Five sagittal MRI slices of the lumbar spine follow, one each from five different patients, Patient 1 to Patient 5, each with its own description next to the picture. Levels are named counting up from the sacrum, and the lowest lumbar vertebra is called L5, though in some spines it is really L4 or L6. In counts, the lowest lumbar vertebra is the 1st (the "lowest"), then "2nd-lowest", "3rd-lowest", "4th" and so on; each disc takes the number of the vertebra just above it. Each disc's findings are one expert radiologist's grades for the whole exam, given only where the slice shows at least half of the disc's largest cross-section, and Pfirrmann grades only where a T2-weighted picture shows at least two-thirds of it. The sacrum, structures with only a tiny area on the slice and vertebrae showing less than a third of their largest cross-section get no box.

Patient 1 of 5:
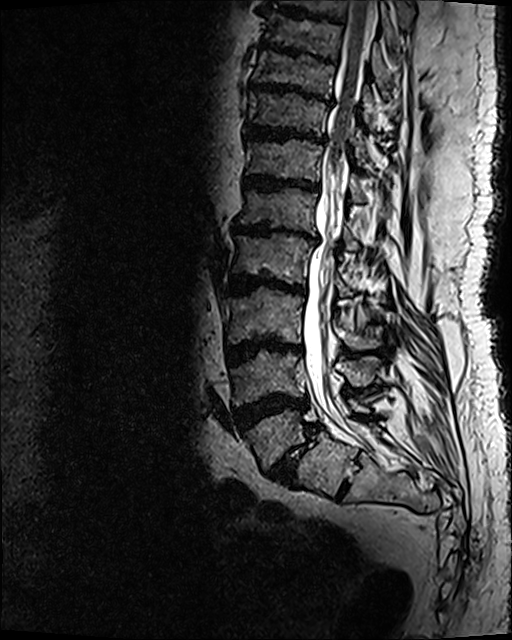 Sagittal T2 SPACE (3D) lumbar spine MRI
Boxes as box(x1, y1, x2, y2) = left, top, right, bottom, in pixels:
Structures:
• T11 vertebra: box(249, 90, 371, 165)
• L4/L5: box(231, 393, 309, 432)
• intervertebral disc T9/T10: box(258, 44, 335, 63)
• intervertebral disc L5/S1: box(268, 425, 319, 483)
• L3/L4: box(225, 338, 301, 364)
• L1: box(237, 187, 359, 251)
• thecal sac / spinal canal: box(303, 1, 377, 421)
• L4 vertebra: box(231, 350, 379, 406)
• intervertebral disc L2/L3: box(228, 274, 305, 294)
• intervertebral disc T10/T11: box(249, 80, 325, 103)
• L2: box(232, 232, 354, 297)
• T10 vertebra: box(254, 49, 375, 120)
• L5 vertebra: box(243, 397, 369, 469)
• L1/L2: box(229, 220, 318, 241)
• L3 vertebra: box(222, 287, 382, 349)
• T12: box(245, 139, 363, 203)
• T12/L1: box(243, 174, 321, 193)
• T11/T12: box(243, 122, 327, 144)

Degenerative findings by level:
- T12/L1: Pfirrmann grade 5, disc narrowing, disc bulging, lower-endplate change, upper-endplate change, Modic type II
- L3/L4: Pfirrmann grade 5, disc narrowing, disc bulging, lower-endplate change, Modic type II, upper-endplate change
- L2/L3: upper-endplate change, disc bulging, disc narrowing, Modic type II, lower-endplate change
- L1/L2: disc bulging, disc narrowing, lower-endplate change, upper-endplate change, Modic type II
- L5/S1: Pfirrmann grade 5, Modic type II, spondylolisthesis, lower-endplate change, disc narrowing, upper-endplate change, disc bulging
- T11/T12: Pfirrmann grade 5, Modic type II, disc bulging, disc narrowing, lower-endplate change, upper-endplate change
- T9/T10: disc bulging, disc narrowing, upper-endplate change, lower-endplate change, Modic type II
- L4/L5: Pfirrmann grade 5, Modic type II, upper-endplate change, disc narrowing, lower-endplate change, disc bulging
- T10/T11: upper-endplate change, Modic type II, disc narrowing, disc bulging, lower-endplate change

Patient 2 of 5:
Image 512x640; T2 SPACE (3D) sagittal MRI of the lumbar spine
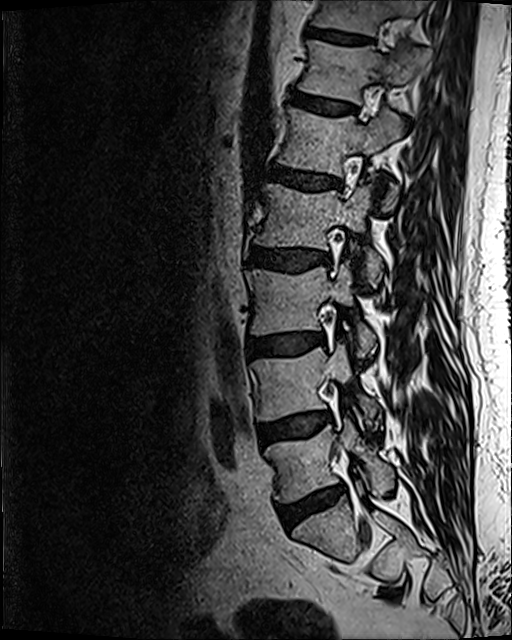 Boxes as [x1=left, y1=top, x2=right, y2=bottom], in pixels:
Segmented structures:
- L5 = [x1=265, y1=419, x2=394, y2=502]
- T12/L1 = [x1=291, y1=93, x2=355, y2=113]
- L4/L5 = [x1=258, y1=412, x2=327, y2=446]
- L2 = [x1=255, y1=183, x2=383, y2=286]
- L3 vertebra = [x1=246, y1=261, x2=376, y2=356]
- L1 vertebra = [x1=278, y1=107, x2=403, y2=210]
- T11 vertebra = [x1=310, y1=0, x2=423, y2=35]
- L4 = [x1=253, y1=343, x2=378, y2=421]
- L1/L2 = [x1=270, y1=165, x2=339, y2=190]
- IVD L2/L3 = [x1=251, y1=247, x2=329, y2=272]
- IVD T11/T12 = [x1=306, y1=27, x2=371, y2=44]
- IVD L5/S1 = [x1=278, y1=487, x2=344, y2=529]
- L3/L4 = [x1=247, y1=333, x2=322, y2=356]
- T12 vertebra = [x1=299, y1=40, x2=428, y2=104]

Degenerative findings by level:
- L5/S1: Pfirrmann grade 3, disc narrowing, disc bulging, Modic type II
- T12/L1: Pfirrmann grade 2
- L1/L2: Pfirrmann grade 3, disc bulging
- L2/L3: Pfirrmann grade 3, disc bulging
- L4/L5: Pfirrmann grade 2, disc bulging, Modic type II
- L3/L4: Pfirrmann grade 2, disc bulging, Modic type II
- T11/T12: Pfirrmann grade 3

Patient 3 of 5:
MRI lumbar spine (T1-weighted), sagittal plane, Field of view 280x280 mm, Slice 19/24, Philips Healthcare Ingenia (3T)

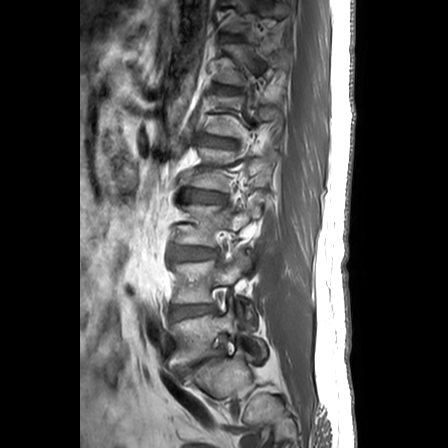
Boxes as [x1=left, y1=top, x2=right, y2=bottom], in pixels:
Annotations:
- lowest disc at [x1=176, y1=351, x2=222, y2=376]
- 3rd-lowest disc at [x1=176, y1=247, x2=212, y2=259]
- 2nd-lowest vertebra at [x1=174, y1=253, x2=252, y2=319]
- 4th disc at [x1=186, y1=190, x2=223, y2=202]
- 6th vertebra at [x1=217, y1=44, x2=286, y2=85]
- lowest vertebra at [x1=169, y1=306, x2=266, y2=368]
- 7th vertebra at [x1=229, y1=0, x2=291, y2=32]
- 4th vertebra at [x1=190, y1=148, x2=278, y2=190]
- 6th disc at [x1=220, y1=86, x2=237, y2=91]
- 2nd-lowest disc at [x1=171, y1=305, x2=214, y2=320]
- 5th disc at [x1=203, y1=138, x2=234, y2=147]
- 3rd-lowest vertebra at [x1=178, y1=204, x2=261, y2=246]

Radiological gradings:
• 3rd-lowest disc: disc bulging
• 4th disc: disc bulging
• 5th disc: upper-endplate change, Modic type II, lower-endplate change, disc bulging
• 2nd-lowest disc: disc narrowing, disc bulging

Patient 4 of 5:
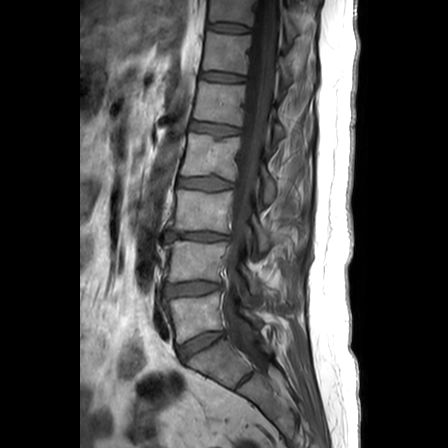 Image 448x448, Sagittal T1-weighted lumbar spine MRI, Slice spacing 3.3 mm, Sagittal slice index 14

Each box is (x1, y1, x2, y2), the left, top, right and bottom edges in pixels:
Segmented structures:
- L3 vertebra at (169, 189, 273, 252)
- T11 vertebra at (209, 0, 298, 39)
- thecal sac / spinal canal at (226, 0, 278, 366)
- IVD L5/S1 at (178, 331, 225, 359)
- IVD T12/L1 at (201, 71, 245, 81)
- L1/L2 at (191, 121, 240, 135)
- L1 at (195, 81, 285, 143)
- L5 at (165, 292, 263, 342)
- T11/T12 at (208, 22, 249, 32)
- L4 at (168, 240, 264, 292)
- IVD L2/L3 at (179, 176, 233, 190)
- IVD L4/L5 at (165, 281, 222, 296)
- IVD L3/L4 at (167, 231, 229, 240)
- L2 vertebra at (182, 133, 278, 201)
- T12 at (203, 31, 316, 83)

Degenerative findings by level:
• L3/L4: disc narrowing, Modic type II, disc herniation, upper-endplate change, lower-endplate change
• L4/L5: disc bulging
• L2/L3, L5/S1, T12/L1, T11/T12, L1/L2: no Modic or endplate change, herniation, narrowing, bulging or spondylolisthesis recorded

Patient 5 of 5:
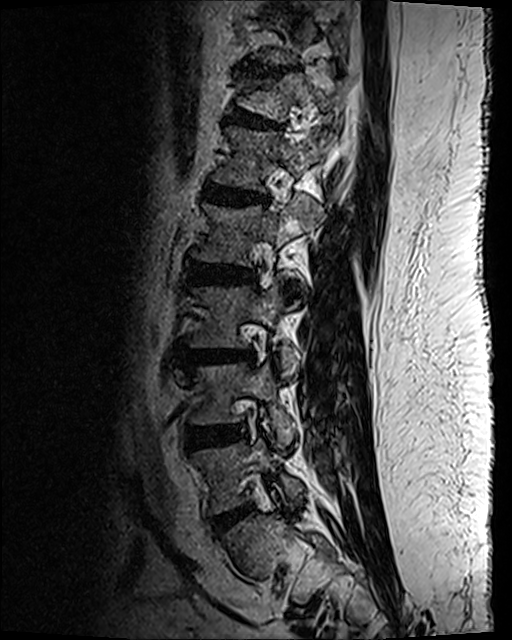

MRI lumbar spine (T2 SPACE (3D)), sagittal plane | Sagittal slice index 79

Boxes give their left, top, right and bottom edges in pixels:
- L4/L5 = left=188, top=427, right=239, bottom=450
- L2 vertebra = left=196, top=200, right=322, bottom=266
- L3 = left=191, top=278, right=299, bottom=378
- L1 vertebra = left=213, top=127, right=334, bottom=192
- T11/T12 = left=244, top=65, right=289, bottom=77
- L5/S1 = left=211, top=505, right=251, bottom=535
- L4 vertebra = left=190, top=364, right=296, bottom=443
- disc L3/L4 = left=188, top=351, right=253, bottom=365
- T12 vertebra = left=238, top=73, right=346, bottom=122
- disc L2/L3 = left=190, top=270, right=256, bottom=285
- disc L1/L2 = left=205, top=184, right=267, bottom=205
- L5 vertebra = left=195, top=439, right=304, bottom=513
- disc T12/L1 = left=230, top=110, right=280, bottom=129

Per-level radiological findings:
• L4/L5: disc bulging, disc narrowing
• L1/L2: Pfirrmann grade 3, upper-endplate change, lower-endplate change, disc narrowing, Modic type II, disc bulging
• L2/L3: disc bulging, lower-endplate change